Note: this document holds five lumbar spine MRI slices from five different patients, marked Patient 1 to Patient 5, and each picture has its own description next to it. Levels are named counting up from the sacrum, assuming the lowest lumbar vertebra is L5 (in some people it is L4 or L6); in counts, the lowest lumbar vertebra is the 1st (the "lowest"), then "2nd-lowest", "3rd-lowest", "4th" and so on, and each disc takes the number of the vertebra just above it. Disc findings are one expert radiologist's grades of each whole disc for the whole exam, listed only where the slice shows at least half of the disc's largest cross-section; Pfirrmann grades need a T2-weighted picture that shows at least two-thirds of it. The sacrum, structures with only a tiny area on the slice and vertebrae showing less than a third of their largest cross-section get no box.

Patient 1 of 5:
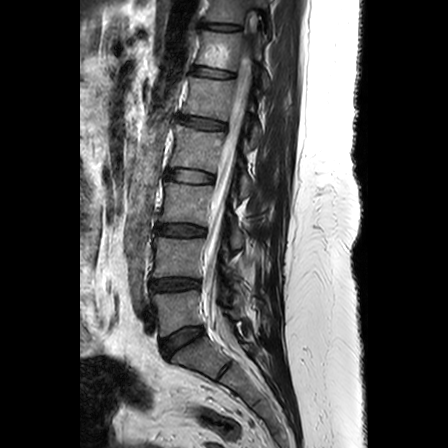 Image 448x448 | Lumbar spine MR, T2-weighted, sagittal | Sagittal slice index 13 | Slice spacing 3.3 mm

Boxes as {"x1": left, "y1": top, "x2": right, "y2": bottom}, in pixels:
L1 (5th vertebra) at {"x1": 183, "y1": 77, "x2": 261, "y2": 145}, T11 (7th vertebra) at {"x1": 204, "y1": 0, "x2": 267, "y2": 23}, T12 (6th vertebra) at {"x1": 196, "y1": 30, "x2": 269, "y2": 90}, spinal canal at {"x1": 203, "y1": 54, "x2": 250, "y2": 336}, IVD L1/L2 (5th disc) at {"x1": 176, "y1": 115, "x2": 225, "y2": 130}, L3/L4 (3rd-lowest disc) at {"x1": 156, "y1": 224, "x2": 204, "y2": 235}, IVD L4/L5 (2nd-lowest disc) at {"x1": 151, "y1": 278, "x2": 199, "y2": 291}, IVD T12/L1 (6th disc) at {"x1": 193, "y1": 66, "x2": 232, "y2": 77}, T11/T12 (7th disc) at {"x1": 200, "y1": 22, "x2": 240, "y2": 30}, L5 (lowest vertebra) at {"x1": 152, "y1": 290, "x2": 246, "y2": 336}, L2/L3 (4th disc) at {"x1": 166, "y1": 169, "x2": 213, "y2": 182}, L4 (2nd-lowest vertebra) at {"x1": 152, "y1": 234, "x2": 239, "y2": 286}, L2 (4th vertebra) at {"x1": 170, "y1": 124, "x2": 252, "y2": 197}, L3 (3rd-lowest vertebra) at {"x1": 159, "y1": 182, "x2": 242, "y2": 247}, IVD L5/S1 (lowest disc) at {"x1": 161, "y1": 326, "x2": 203, "y2": 356}.

Expert MSK radiologist gradings (per disc):
- L2/L3 (4th disc): Pfirrmann grade 2
- T11/T12 (7th disc): Pfirrmann grade 2
- L1/L2 (5th disc): Pfirrmann grade 3, upper-endplate change, disc bulging, Modic type II
- T12/L1 (6th disc): Pfirrmann grade 2
- L5/S1 (lowest disc): Pfirrmann grade 3
- L4/L5 (2nd-lowest disc): Pfirrmann grade 3, disc narrowing
- L3/L4 (3rd-lowest disc): Pfirrmann grade 3, upper-endplate change

Patient 2 of 5:
384x386 px, Lumbar spine MR, T2-weighted, sagittal 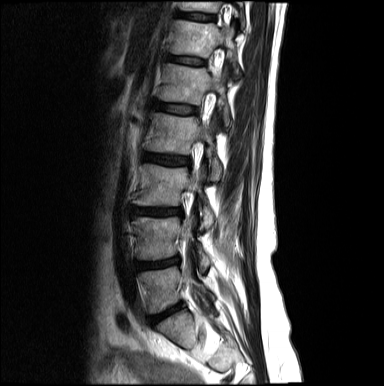 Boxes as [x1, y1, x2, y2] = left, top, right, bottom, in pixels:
5th vertebra at [158, 63, 230, 126], 6th disc at [167, 55, 204, 64], 4th disc at [142, 152, 189, 165], 3rd-lowest disc at [132, 206, 181, 215], 5th disc at [151, 100, 196, 115], 2nd-lowest vertebra at [133, 215, 210, 270], 6th vertebra at [170, 21, 241, 78], 4th vertebra at [143, 113, 221, 180], lowest vertebra at [139, 267, 214, 313], 7th disc at [176, 10, 214, 21], 2nd-lowest disc at [136, 258, 178, 269], lowest disc at [150, 303, 182, 324], 3rd-lowest vertebra at [134, 164, 214, 228], 7th vertebra at [178, 1, 244, 28].

Expert MSK radiologist gradings (per disc):
- 7th disc: Pfirrmann grade 2
- 3rd-lowest disc: disc narrowing, disc bulging, upper-endplate change, lower-endplate change
- 5th disc: Pfirrmann grade 2
- 6th disc: Pfirrmann grade 2
- 4th disc: Pfirrmann grade 3, disc bulging
- 2nd-lowest disc: disc narrowing, disc herniation, disc bulging

Patient 3 of 5:
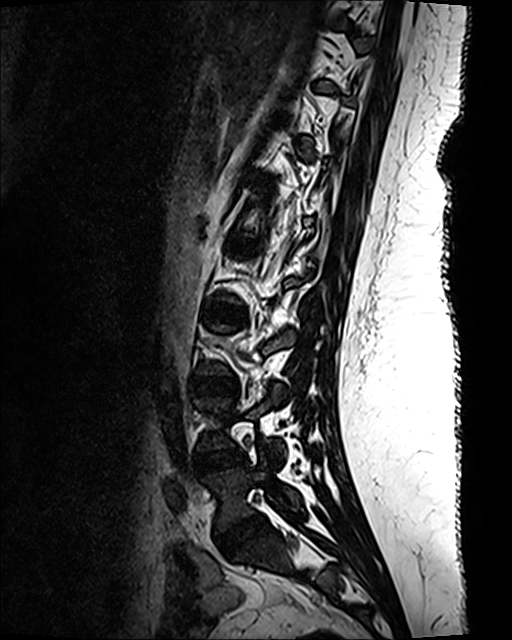

Image 512x640, Field of view 240x300 mm, slice spacing 0.9 mm, T2 SPACE (3D) sagittal MRI of the lumbar spine
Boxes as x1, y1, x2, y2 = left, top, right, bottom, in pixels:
Lowest disc at 217, 514, 264, 555.
2nd-lowest disc at 197, 448, 245, 472.
3rd-lowest disc at 194, 378, 235, 395.
4th disc at 206, 306, 236, 321.
Lowest vertebra at 204, 462, 302, 532.

Per-level radiological findings:
• 2nd-lowest disc, lowest disc: no Modic or endplate change, herniation, narrowing, bulging or spondylolisthesis recorded

Patient 4 of 5:
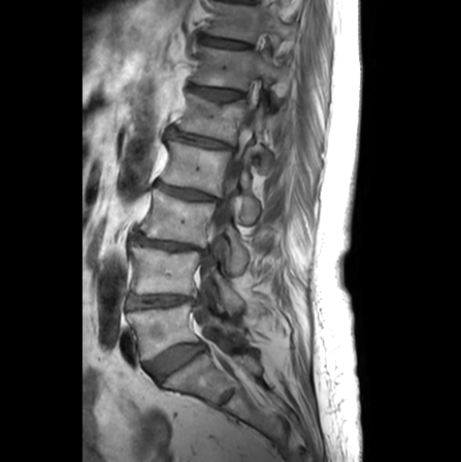 Sex F; Slice 10 of 24; T1-weighted sagittal MRI of the lumbar spine; 461x462 px

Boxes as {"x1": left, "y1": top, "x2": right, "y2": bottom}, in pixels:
Structures:
• L1 vertebra = {"x1": 177, "y1": 93, "x2": 272, "y2": 174}
• L3 vertebra = {"x1": 140, "y1": 187, "x2": 249, "y2": 273}
• T12 = {"x1": 194, "y1": 45, "x2": 280, "y2": 89}
• L4 vertebra = {"x1": 131, "y1": 245, "x2": 243, "y2": 310}
• L5 vertebra = {"x1": 127, "y1": 302, "x2": 244, "y2": 359}
• T11 = {"x1": 207, "y1": 3, "x2": 298, "y2": 40}
• IVD L2/L3 = {"x1": 157, "y1": 181, "x2": 215, "y2": 199}
• L3/L4 = {"x1": 131, "y1": 229, "x2": 205, "y2": 253}
• IVD T12/L1 = {"x1": 192, "y1": 85, "x2": 241, "y2": 99}
• T11/T12 = {"x1": 201, "y1": 35, "x2": 249, "y2": 48}
• L4/L5 = {"x1": 127, "y1": 294, "x2": 193, "y2": 308}
• thecal sac / spinal canal = {"x1": 194, "y1": 112, "x2": 252, "y2": 336}
• L5/S1 = {"x1": 145, "y1": 343, "x2": 205, "y2": 380}
• L2 vertebra = {"x1": 161, "y1": 141, "x2": 260, "y2": 222}
• L1/L2 = {"x1": 169, "y1": 130, "x2": 230, "y2": 147}

Expert MSK radiologist gradings (per disc):
- L4/L5: Modic type II, disc narrowing
- L2/L3: disc narrowing, lower-endplate change, upper-endplate change
- L3/L4: lower-endplate change, disc narrowing, upper-endplate change, Modic type II
- T12/L1: upper-endplate change
- L5/S1: Modic type II
- L1/L2: upper-endplate change, lower-endplate change, disc narrowing, disc bulging
- T11/T12: no Modic or endplate change, herniation, narrowing, bulging or spondylolisthesis recorded

Patient 5 of 5:
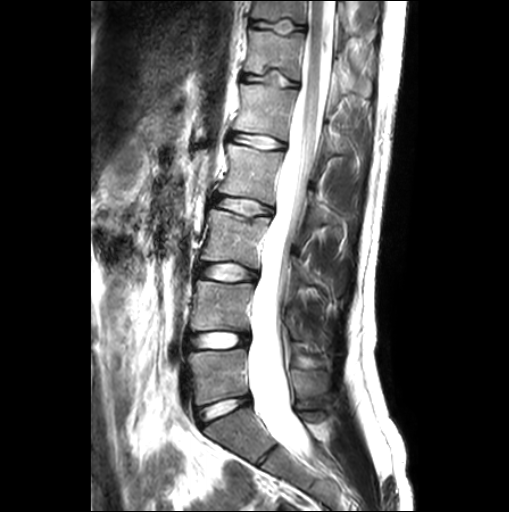 Field of view 280x281 mm; Lumbar spine MR, T2-weighted, sagittal
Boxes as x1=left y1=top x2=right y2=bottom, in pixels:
L3/L4 — x1=199 y1=264 x2=257 y2=280.
L1/L2 — x1=230 y1=133 x2=283 y2=149.
L2 — x1=218 y1=142 x2=325 y2=236.
L5 — x1=189 y1=348 x2=329 y2=405.
T11 — x1=251 y1=0 x2=349 y2=30.
Intervertebral disc L2/L3 — x1=213 y1=196 x2=271 y2=214.
Thecal sac / spinal canal — x1=250 y1=0 x2=336 y2=460.
L4/L5 — x1=189 y1=332 x2=248 y2=347.
T12 — x1=244 y1=29 x2=373 y2=102.
L3 — x1=201 y1=208 x2=346 y2=280.
Intervertebral disc L5/S1 — x1=197 y1=396 x2=250 y2=425.
Intervertebral disc T11/T12 — x1=250 y1=20 x2=306 y2=32.
L4 vertebra — x1=190 y1=279 x2=332 y2=343.
T12/L1 — x1=242 y1=72 x2=298 y2=85.
L1 — x1=233 y1=83 x2=344 y2=170.

Radiological gradings:
- L4/L5: Pfirrmann grade 1
- L3/L4: Pfirrmann grade 1
- L5/S1: Pfirrmann grade 1
- T12/L1: Pfirrmann grade 1, upper-endplate change, lower-endplate change
- L2/L3: Pfirrmann grade 1
- T11/T12: Pfirrmann grade 1, upper-endplate change, lower-endplate change
- L1/L2: Pfirrmann grade 1, Modic type II